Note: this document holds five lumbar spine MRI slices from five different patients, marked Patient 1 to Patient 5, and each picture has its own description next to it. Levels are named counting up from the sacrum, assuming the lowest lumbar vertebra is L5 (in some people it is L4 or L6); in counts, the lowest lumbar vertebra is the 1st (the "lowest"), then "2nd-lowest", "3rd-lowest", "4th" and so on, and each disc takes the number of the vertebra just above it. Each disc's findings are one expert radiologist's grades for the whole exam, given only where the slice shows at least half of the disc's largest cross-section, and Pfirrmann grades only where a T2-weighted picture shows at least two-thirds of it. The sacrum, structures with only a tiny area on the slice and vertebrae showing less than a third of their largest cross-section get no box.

Patient 1 of 5:
Sex F. Sagittal T2-weighted lumbar spine MRI. Field of view 280x283 mm, slice spacing 3.3 mm.

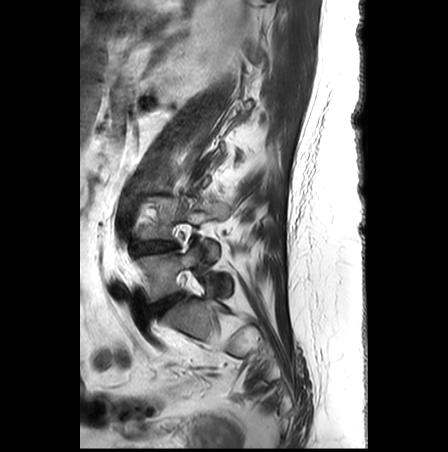
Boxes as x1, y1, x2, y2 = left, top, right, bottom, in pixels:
Structures:
* 2nd-lowest disc: 131, 241, 177, 254
* lowest disc: 153, 294, 181, 315
* lowest vertebra: 134, 247, 231, 302
* 2nd-lowest vertebra: 137, 198, 228, 262

Degenerative findings by level:
• 2nd-lowest disc: Pfirrmann grade 5, Modic type II, disc bulging, upper-endplate change, lower-endplate change, disc narrowing

Patient 2 of 5:
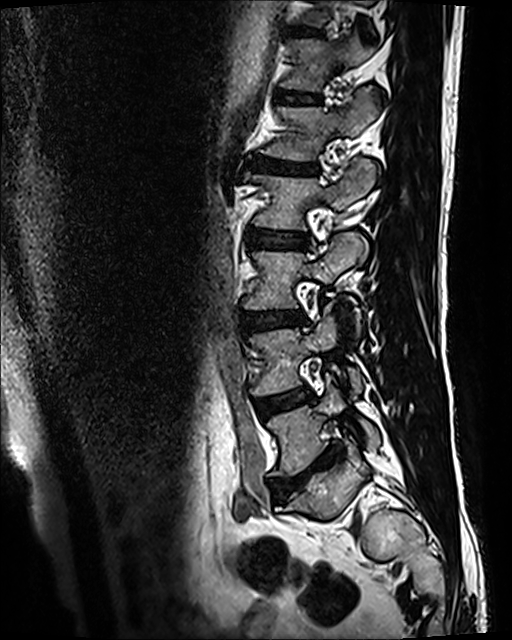
T2 SPACE (3D) sagittal MRI of the lumbar spine; 512x640 px
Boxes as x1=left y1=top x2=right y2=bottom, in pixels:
L5/S1 (lowest disc) = x1=270 y1=443 x2=344 y2=495 | intervertebral disc L1/L2 (5th disc) = x1=246 y1=157 x2=318 y2=175 | L3/L4 (3rd-lowest disc) = x1=244 y1=308 x2=303 y2=330 | L5 (lowest vertebra) = x1=268 y1=377 x2=379 y2=475 | L4/L5 (2nd-lowest disc) = x1=259 y1=389 x2=311 y2=416 | L4 (2nd-lowest vertebra) = x1=250 y1=316 x2=363 y2=396 | L2 (4th vertebra) = x1=246 y1=159 x2=376 y2=229 | T12 (6th vertebra) = x1=281 y1=34 x2=375 y2=90 | intervertebral disc T11/T12 (7th disc) = x1=292 y1=29 x2=321 y2=36 | L3 (3rd-lowest vertebra) = x1=243 y1=231 x2=365 y2=328 | T12/L1 (6th disc) = x1=275 y1=89 x2=319 y2=104 | L1 (5th vertebra) = x1=260 y1=89 x2=377 y2=161 | intervertebral disc L2/L3 (4th disc) = x1=245 y1=226 x2=308 y2=248

Per-level radiological findings:
  L3/L4 (3rd-lowest disc): upper-endplate change, disc bulging, lower-endplate change
  L5/S1 (lowest disc): Pfirrmann grade 5, upper-endplate change, disc bulging, lower-endplate change, Modic type II, disc narrowing
  L2/L3 (4th disc): Pfirrmann grade 3
  L1/L2 (5th disc): Pfirrmann grade 5, disc narrowing, disc bulging, lower-endplate change, upper-endplate change, Modic type II
  T12/L1 (6th disc): Pfirrmann grade 3

Patient 3 of 5:
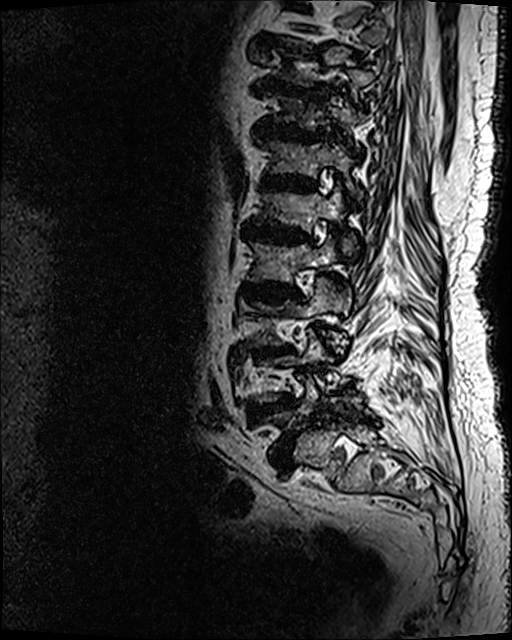
Sex M | Lumbar spine MR, T2 SPACE (3D), sagittal
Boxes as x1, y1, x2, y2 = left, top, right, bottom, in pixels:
* T10/T11 (8th disc) at 255, 77, 325, 101
* L5/S1 (lowest disc) at 271, 437, 294, 467
* L4/L5 (2nd-lowest disc) at 248, 395, 297, 418
* L4 (2nd-lowest vertebra) at 252, 327, 334, 403
* L3 (3rd-lowest vertebra) at 246, 276, 349, 358
* L3/L4 (3rd-lowest disc) at 252, 346, 294, 359
* T11 (7th vertebra) at 272, 94, 365, 129
* L5 (lowest vertebra) at 259, 373, 363, 455
* IVD T11/T12 (7th disc) at 255, 121, 332, 142
* IVD L2/L3 (4th disc) at 241, 280, 301, 302
* T12/L1 (6th disc) at 260, 174, 319, 193
* T9/T10 (9th disc) at 255, 45, 286, 51
* L2 (4th vertebra) at 247, 234, 342, 282
* T12 (6th vertebra) at 260, 140, 362, 200
* IVD L1/L2 (5th disc) at 240, 222, 313, 244
* L1 (5th vertebra) at 255, 178, 356, 255

Degenerative findings by level:
• L2/L3 (4th disc): Pfirrmann grade 5, disc narrowing, upper-endplate change, lower-endplate change, disc bulging, Modic type II
• T10/T11 (8th disc): Pfirrmann grade 5, disc narrowing, Modic type II, disc bulging, lower-endplate change, upper-endplate change
• L1/L2 (5th disc): Pfirrmann grade 5, Modic type II, upper-endplate change, disc bulging, disc narrowing, lower-endplate change
• T12/L1 (6th disc): Pfirrmann grade 5, Modic type II, disc narrowing, lower-endplate change, upper-endplate change, disc bulging
• T11/T12 (7th disc): Pfirrmann grade 5, upper-endplate change, disc bulging, disc narrowing, Modic type II, lower-endplate change

Patient 4 of 5:
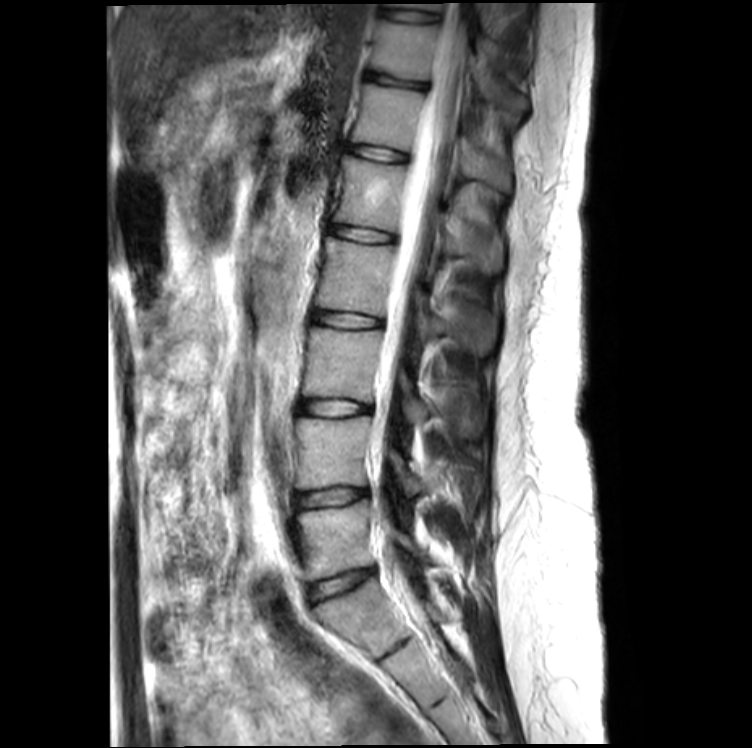 Sagittal T2-weighted lumbar spine MRI; Field of view 311x309 mm
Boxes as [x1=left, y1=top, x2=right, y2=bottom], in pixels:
{"5th vertebra": "[x1=333, y1=155, x2=502, y2=274]", "3rd-lowest disc": "[x1=298, y1=399, x2=370, y2=414]", "4th vertebra": "[x1=316, y1=237, x2=496, y2=353]", "2nd-lowest disc": "[x1=296, y1=487, x2=368, y2=506]", "thecal sac / spinal canal": "[x1=371, y1=3, x2=463, y2=594]", "2nd-lowest vertebra": "[x1=296, y1=415, x2=426, y2=494]", "4th disc": "[x1=312, y1=311, x2=381, y2=327]", "lowest vertebra": "[x1=298, y1=500, x2=429, y2=580]", "6th disc": "[x1=346, y1=144, x2=407, y2=162]", "8th vertebra": "[x1=390, y1=3, x2=493, y2=29]", "5th disc": "[x1=328, y1=224, x2=394, y2=242]", "6th vertebra": "[x1=351, y1=83, x2=510, y2=192]", "3rd-lowest vertebra": "[x1=303, y1=327, x2=481, y2=436]", "7th disc": "[x1=366, y1=72, x2=426, y2=89]", "7th vertebra": "[x1=372, y1=20, x2=526, y2=120]", "lowest disc": "[x1=309, y1=568, x2=374, y2=600]", "8th disc": "[x1=383, y1=10, x2=437, y2=22]"}

Expert MSK radiologist gradings (per disc):
  4th disc: Pfirrmann grade 2
  6th disc: Pfirrmann grade 2
  5th disc: Pfirrmann grade 2
  3rd-lowest disc: Pfirrmann grade 2
  8th disc: Pfirrmann grade 2
  7th disc: lower-endplate change, disc bulging
  2nd-lowest disc: Pfirrmann grade 2
  lowest disc: Pfirrmann grade 2, lower-endplate change

Patient 5 of 5:
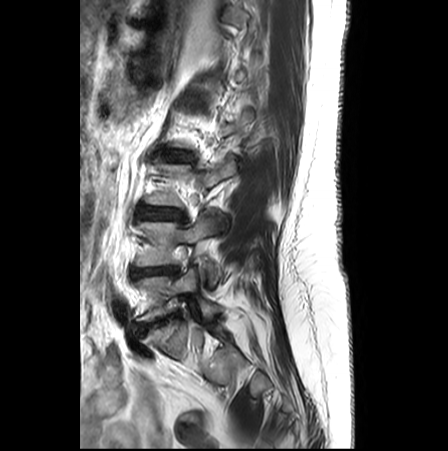 Field of view 280x282 mm, slice spacing 3.3 mm; Sex F; Lumbar spine MR, T2-weighted, sagittal; Image 448x451
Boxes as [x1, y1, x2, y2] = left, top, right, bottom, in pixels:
Structures:
- 2nd-lowest disc — [131, 267, 178, 277]
- 4th disc — [172, 153, 190, 160]
- 3rd-lowest disc — [140, 207, 183, 219]
- 2nd-lowest vertebra — [135, 214, 223, 284]
- lowest disc — [140, 314, 177, 330]
- 3rd-lowest vertebra — [146, 156, 236, 227]
- lowest vertebra — [134, 267, 220, 321]

Radiological gradings:
  3rd-lowest disc: Pfirrmann grade 2, disc bulging, Modic type II
  2nd-lowest disc: Pfirrmann grade 3, upper-endplate change, disc narrowing, disc bulging, Modic type II